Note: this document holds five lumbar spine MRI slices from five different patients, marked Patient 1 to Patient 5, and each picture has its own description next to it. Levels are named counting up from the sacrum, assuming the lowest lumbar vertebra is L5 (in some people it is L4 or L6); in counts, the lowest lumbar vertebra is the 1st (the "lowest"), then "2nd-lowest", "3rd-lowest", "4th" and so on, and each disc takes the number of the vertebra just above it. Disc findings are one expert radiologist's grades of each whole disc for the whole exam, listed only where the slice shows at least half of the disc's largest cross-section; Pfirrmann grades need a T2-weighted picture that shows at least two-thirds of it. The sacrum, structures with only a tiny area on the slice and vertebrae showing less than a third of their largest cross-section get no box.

Patient 1 of 5:
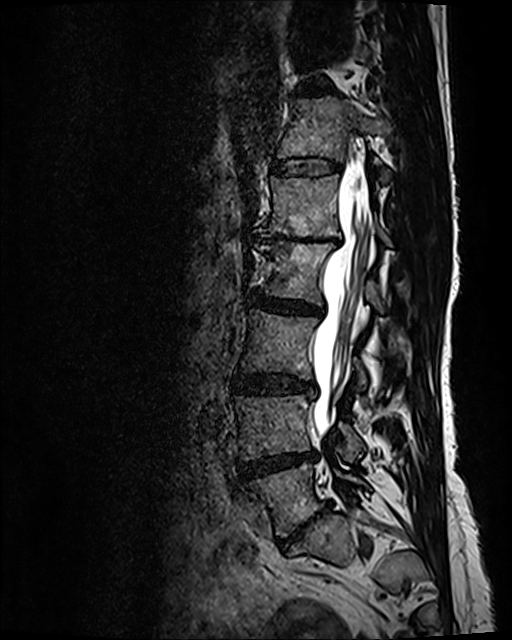

Slice 55 of 120. Sagittal T2 SPACE (3D) lumbar spine MRI.

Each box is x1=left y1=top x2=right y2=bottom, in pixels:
2nd-lowest vertebra: x1=235 y1=395 x2=365 y2=461.
6th vertebra: x1=277 y1=97 x2=392 y2=182.
5th disc: x1=257 y1=232 x2=341 y2=244.
2nd-lowest disc: x1=239 y1=452 x2=315 y2=478.
3rd-lowest vertebra: x1=240 y1=309 x2=366 y2=390.
4th vertebra: x1=254 y1=243 x2=384 y2=312.
5th vertebra: x1=257 y1=175 x2=390 y2=244.
Lowest disc: x1=280 y1=506 x2=327 y2=548.
7th disc: x1=300 y1=85 x2=331 y2=95.
4th disc: x1=250 y1=290 x2=321 y2=315.
6th disc: x1=270 y1=157 x2=340 y2=176.
3rd-lowest disc: x1=233 y1=374 x2=313 y2=395.
Thecal sac / spinal canal: x1=311 y1=165 x2=368 y2=437.
Lowest vertebra: x1=245 y1=462 x2=369 y2=536.

Per-level radiological findings:
- 5th disc: Pfirrmann grade 5, upper-endplate change, disc bulging, lower-endplate change, Modic type II, disc narrowing
- 6th disc: Pfirrmann grade 2
- 3rd-lowest disc: Pfirrmann grade 3, disc bulging
- 2nd-lowest disc: Pfirrmann grade 4, disc bulging, Modic type II, disc narrowing
- 4th disc: disc bulging, disc narrowing

Patient 2 of 5:
Sagittal T2 SPACE (3D) lumbar spine MRI | Image 512x640 | Scanner: SIEMENS Avanto_fit (1.5T)

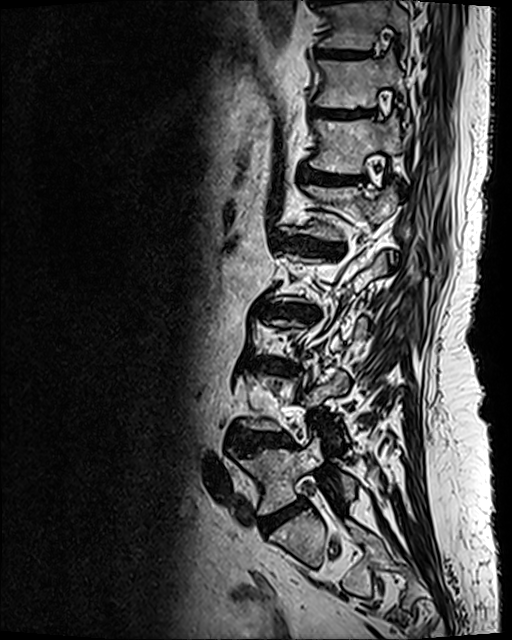
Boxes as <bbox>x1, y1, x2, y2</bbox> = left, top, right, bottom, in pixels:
L5/S1: <bbox>260, 503, 301, 533</bbox> | IVD L4/L5: <bbox>230, 431, 294, 453</bbox> | T11 vertebra: <bbox>315, 55, 408, 116</bbox> | T12: <bbox>310, 113, 401, 173</bbox> | IVD T12/L1: <bbox>301, 171, 364, 184</bbox> | L5: <bbox>238, 433, 355, 512</bbox> | T10/T11: <bbox>316, 49, 363, 58</bbox> | IVD L2/L3: <bbox>257, 299, 318, 320</bbox> | IVD L3/L4: <bbox>257, 360, 291, 369</bbox> | L1: <bbox>300, 185, 397, 241</bbox> | IVD L1/L2: <bbox>277, 236, 343, 255</bbox> | T10 vertebra: <bbox>319, 0, 409, 55</bbox> | T11/T12: <bbox>312, 110, 373, 118</bbox>

Radiological gradings:
• L2/L3: Pfirrmann grade 5, lower-endplate change, disc narrowing, Modic type II, disc bulging, upper-endplate change
• T11/T12: Pfirrmann grade 4, lower-endplate change, upper-endplate change
• T12/L1: Pfirrmann grade 4, lower-endplate change, Modic type II, upper-endplate change
• T10/T11: Pfirrmann grade 4, upper-endplate change, lower-endplate change
• L1/L2: Pfirrmann grade 5, Modic type II, disc bulging, disc narrowing, upper-endplate change, lower-endplate change
• L4/L5: Pfirrmann grade 4, lower-endplate change, upper-endplate change, disc bulging

Patient 3 of 5:
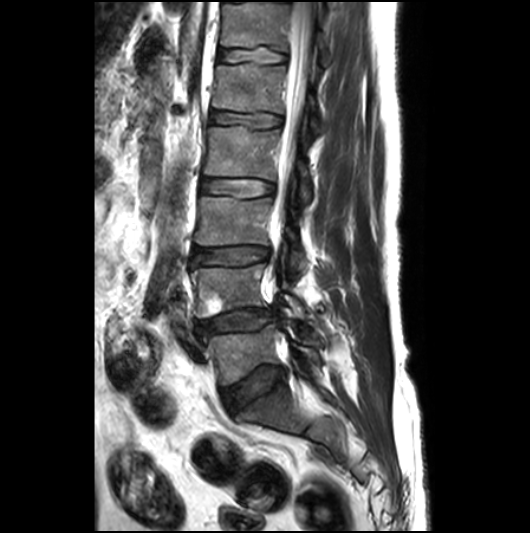

Sagittal T2-weighted lumbar spine MRI, Image 530x533, Patient sex: M, Slice 15 of 26, Slice spacing 3.3 mm

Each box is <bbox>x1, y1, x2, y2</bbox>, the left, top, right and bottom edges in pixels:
L3 (3rd-lowest vertebra) at <bbox>195, 196, 306, 278</bbox>.
L2/L3 (4th disc) at <bbox>201, 178, 273, 198</bbox>.
L4 (2nd-lowest vertebra) at <bbox>191, 253, 305, 318</bbox>.
L3/L4 (3rd-lowest disc) at <bbox>193, 246, 267, 264</bbox>.
L5/S1 (lowest disc) at <bbox>221, 365, 284, 413</bbox>.
T12 (6th vertebra) at <bbox>221, 2, 330, 66</bbox>.
L5 (lowest vertebra) at <bbox>203, 324, 319, 384</bbox>.
L2 (4th vertebra) at <bbox>204, 126, 310, 202</bbox>.
IVD L1/L2 (5th disc) at <bbox>210, 110, 280, 129</bbox>.
L1 (5th vertebra) at <bbox>213, 63, 322, 134</bbox>.
Spinal canal at <bbox>274, 2, 313, 222</bbox>.
T12/L1 (6th disc) at <bbox>217, 46, 285, 63</bbox>.
IVD L4/L5 (2nd-lowest disc) at <bbox>196, 308, 274, 334</bbox>.

Radiological gradings:
- L3/L4 (3rd-lowest disc): Pfirrmann grade 3, upper-endplate change, disc bulging
- T12/L1 (6th disc): Pfirrmann grade 2, lower-endplate change
- L5/S1 (lowest disc): Pfirrmann grade 3, disc bulging
- L1/L2 (5th disc): Pfirrmann grade 2
- L4/L5 (2nd-lowest disc): Pfirrmann grade 3, disc bulging, disc narrowing, disc herniation, Modic type II
- L2/L3 (4th disc): Pfirrmann grade 2

Patient 4 of 5:
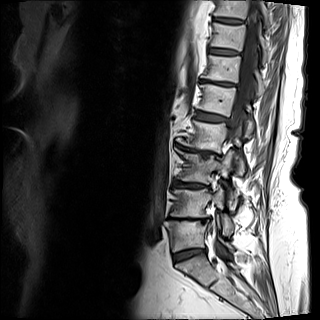

Field of view 280x280 mm, slice spacing 4.8 mm | Lumbar spine MR, T1-weighted, sagittal

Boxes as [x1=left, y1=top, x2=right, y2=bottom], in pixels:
disc L3/L4: [x1=175, y1=182, x2=204, y2=187] | T11 vertebra: [x1=211, y1=23, x2=268, y2=61] | T10/T11: [x1=214, y1=17, x2=243, y2=23] | T10: [x1=214, y1=0, x2=271, y2=26] | disc T12/L1: [x1=201, y1=80, x2=234, y2=85] | T11/T12: [x1=210, y1=48, x2=237, y2=54] | spinal canal: [x1=208, y1=0, x2=260, y2=243] | L1/L2: [x1=196, y1=111, x2=228, y2=121] | L1: [x1=197, y1=84, x2=254, y2=137] | disc L5/S1: [x1=174, y1=249, x2=205, y2=262] | T12 vertebra: [x1=201, y1=55, x2=265, y2=96] | L3 vertebra: [x1=176, y1=149, x2=240, y2=209] | disc L2/L3: [x1=180, y1=146, x2=213, y2=155] | L2 vertebra: [x1=177, y1=120, x2=245, y2=173] | L4 vertebra: [x1=170, y1=185, x2=234, y2=235] | L5 vertebra: [x1=164, y1=221, x2=233, y2=251] | L4/L5: [x1=169, y1=217, x2=207, y2=221]

Per-level radiological findings:
• L1/L2: upper-endplate change, disc bulging, lower-endplate change
• L3/L4: lower-endplate change, upper-endplate change, disc bulging
• L4/L5: upper-endplate change, lower-endplate change, disc bulging, Modic type II, disc narrowing
• L5/S1: disc bulging, disc narrowing, lower-endplate change, upper-endplate change, Modic type II
• T12/L1: Modic type II, lower-endplate change, disc bulging, upper-endplate change, disc narrowing
• L2/L3: disc bulging, Modic type II, lower-endplate change, disc narrowing, upper-endplate change, spondylolisthesis
• T10/T11, T11/T12: no Modic or endplate change, herniation, narrowing, bulging or spondylolisthesis recorded

Patient 5 of 5:
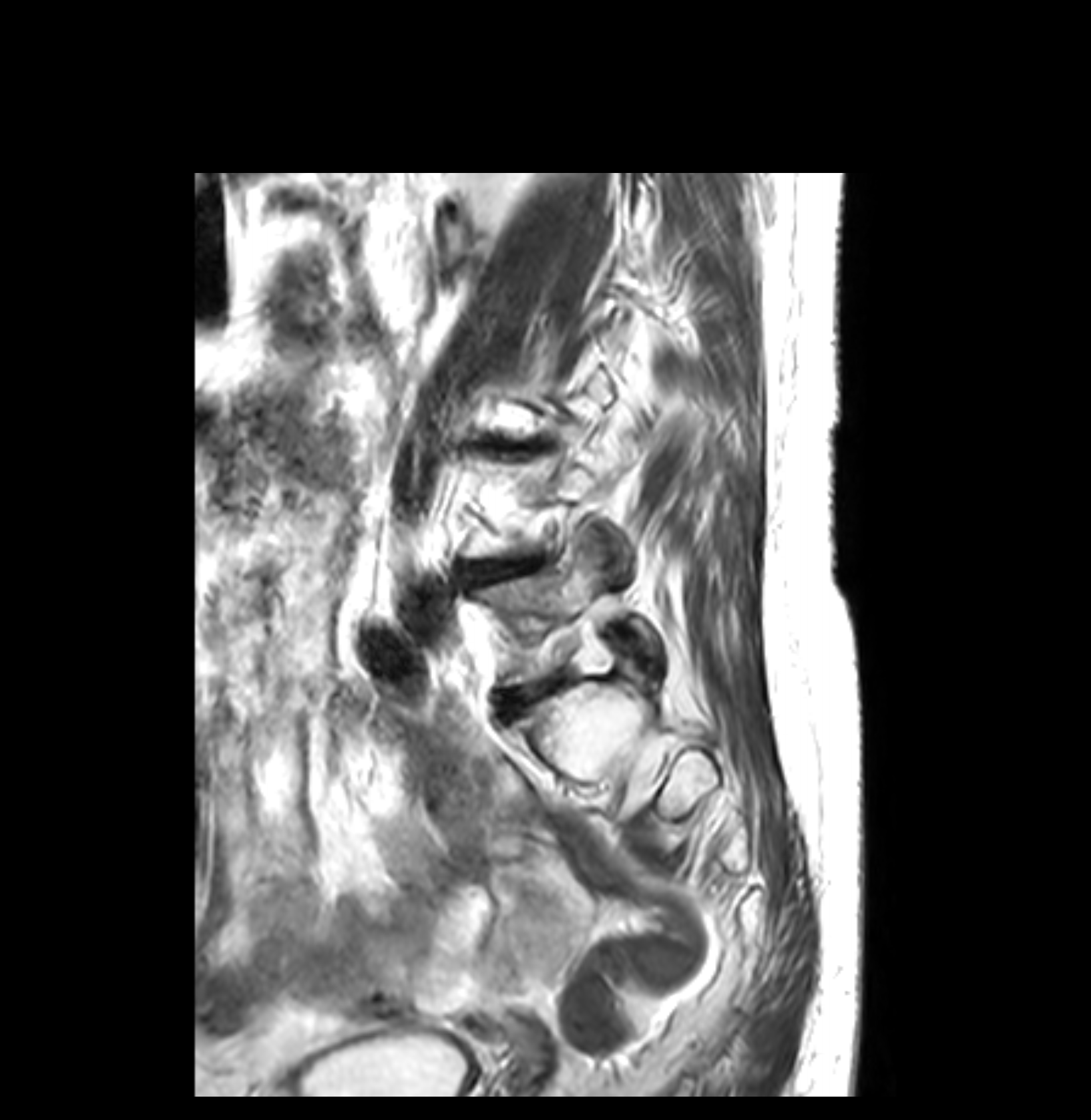 Lumbar spine MR, T2-weighted, sagittal | Patient sex: F | 1091x1120 px
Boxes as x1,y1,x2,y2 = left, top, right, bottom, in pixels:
L4/L5 at 473,561,521,580; intervertebral disc L5/S1 at 504,681,557,711; L5 vertebra at 477,540,657,685; intervertebral disc L3/L4 at 489,440,540,447.